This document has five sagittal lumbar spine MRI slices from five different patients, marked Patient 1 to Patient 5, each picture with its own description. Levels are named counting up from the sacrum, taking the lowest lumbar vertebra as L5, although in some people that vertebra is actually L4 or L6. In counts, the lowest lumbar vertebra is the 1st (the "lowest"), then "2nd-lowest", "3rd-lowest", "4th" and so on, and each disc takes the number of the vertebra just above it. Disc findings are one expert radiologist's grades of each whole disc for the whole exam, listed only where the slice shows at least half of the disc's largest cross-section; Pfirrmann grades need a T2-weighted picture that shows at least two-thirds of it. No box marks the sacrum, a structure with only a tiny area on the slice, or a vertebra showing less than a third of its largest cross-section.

Patient 1 of 5:
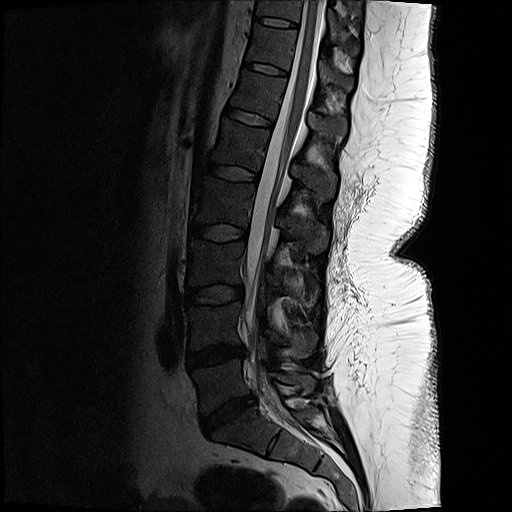
MRI lumbar spine (T2-weighted), sagittal plane, Field of view 300x300 mm, slice spacing 3.3 mm, 512x512 px
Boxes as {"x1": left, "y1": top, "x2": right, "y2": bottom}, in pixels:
L1 at {"x1": 213, "y1": 118, "x2": 337, "y2": 197}.
L2/L3 at {"x1": 188, "y1": 222, "x2": 247, "y2": 241}.
L5/S1 at {"x1": 198, "y1": 395, "x2": 252, "y2": 430}.
Spinal canal at {"x1": 244, "y1": 1, "x2": 325, "y2": 394}.
T12 at {"x1": 233, "y1": 70, "x2": 349, "y2": 145}.
Disc T10/T11 at {"x1": 255, "y1": 17, "x2": 300, "y2": 29}.
L4 at {"x1": 188, "y1": 303, "x2": 282, "y2": 349}.
L4/L5 at {"x1": 185, "y1": 346, "x2": 243, "y2": 368}.
L2 vertebra at {"x1": 191, "y1": 176, "x2": 328, "y2": 254}.
Disc L3/L4 at {"x1": 187, "y1": 285, "x2": 242, "y2": 305}.
T11 vertebra at {"x1": 248, "y1": 25, "x2": 354, "y2": 90}.
L3 vertebra at {"x1": 188, "y1": 240, "x2": 278, "y2": 302}.
L5 at {"x1": 191, "y1": 359, "x2": 286, "y2": 412}.
L1/L2 at {"x1": 195, "y1": 162, "x2": 258, "y2": 182}.
Disc T12/L1 at {"x1": 224, "y1": 104, "x2": 273, "y2": 128}.
T10 vertebra at {"x1": 257, "y1": 0, "x2": 360, "y2": 53}.
T11/T12 at {"x1": 244, "y1": 62, "x2": 290, "y2": 77}.

Radiological gradings:
• L1/L2: Pfirrmann grade 1
• T11/T12: Pfirrmann grade 1
• L2/L3: Pfirrmann grade 1
• T12/L1: Pfirrmann grade 1
• L4/L5: Pfirrmann grade 3, disc narrowing, disc bulging
• L3/L4: Pfirrmann grade 1
• T10/T11: Pfirrmann grade 1
• L5/S1: Pfirrmann grade 4, disc narrowing, disc bulging

Patient 2 of 5:
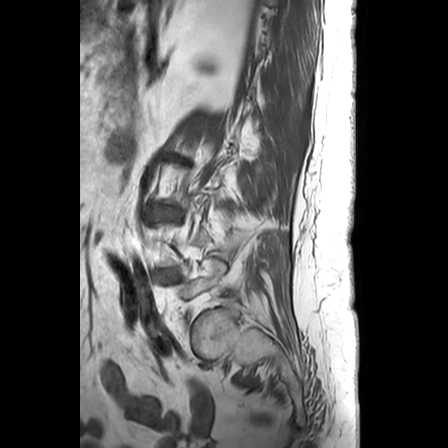 Image 448x448 | Sagittal T1-weighted lumbar spine MRI

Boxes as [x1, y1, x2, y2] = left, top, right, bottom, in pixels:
{"disc L4/L5 (2nd-lowest disc)": "[159, 270, 174, 276]", "L2/L3 (4th disc)": "[165, 155, 190, 163]"}

Patient 3 of 5:
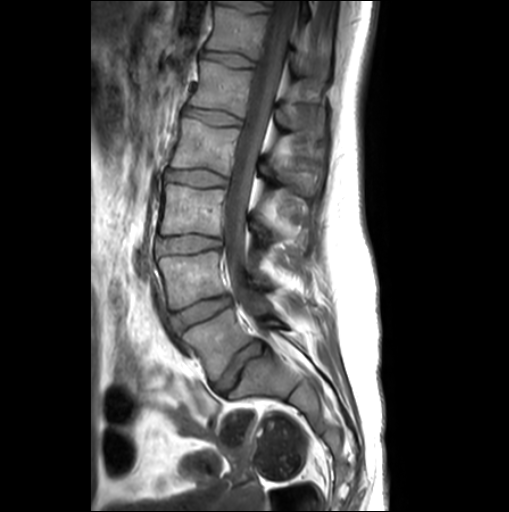 T1-weighted sagittal MRI of the lumbar spine.

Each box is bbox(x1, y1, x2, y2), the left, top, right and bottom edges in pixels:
{"lowest disc": "bbox(214, 341, 264, 393)", "6th disc": "bbox(202, 51, 254, 67)", "5th vertebra": "bbox(190, 60, 324, 137)", "3rd-lowest disc": "bbox(156, 235, 220, 259)", "2nd-lowest disc": "bbox(171, 295, 230, 331)", "lowest vertebra": "bbox(183, 309, 287, 380)", "4th vertebra": "bbox(172, 118, 316, 195)", "3rd-lowest vertebra": "bbox(160, 184, 276, 244)", "5th disc": "bbox(184, 108, 240, 125)", "4th disc": "bbox(163, 168, 228, 186)", "spinal canal": "bbox(224, 0, 295, 326)", "2nd-lowest vertebra": "bbox(157, 251, 272, 309)", "6th vertebra": "bbox(207, 6, 304, 73)"}

Degenerative findings by level:
  lowest disc: upper-endplate change, disc bulging, lower-endplate change
  2nd-lowest disc: disc bulging
  3rd-lowest disc: disc bulging
  4th disc, 6th disc, 5th disc: no herniation, bulging, narrowing, spondylolisthesis, endplate or Modic change recorded

Patient 4 of 5:
T2-weighted sagittal MRI of the lumbar spine | Patient sex: F
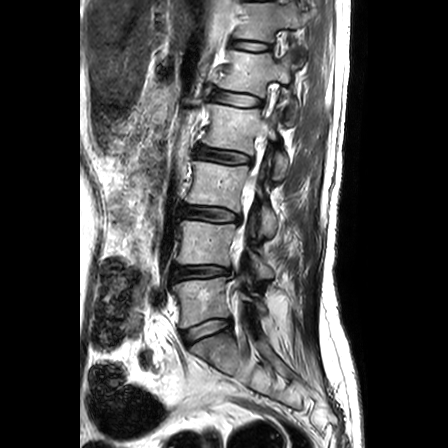

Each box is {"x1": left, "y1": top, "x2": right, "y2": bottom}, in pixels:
L1 at {"x1": 218, "y1": 51, "x2": 299, "y2": 125}.
L4 at {"x1": 178, "y1": 221, "x2": 273, "y2": 278}.
Intervertebral disc L5/S1 at {"x1": 183, "y1": 318, "x2": 231, "y2": 344}.
L4/L5 at {"x1": 171, "y1": 265, "x2": 234, "y2": 282}.
L3 at {"x1": 186, "y1": 156, "x2": 275, "y2": 237}.
L5 vertebra at {"x1": 172, "y1": 277, "x2": 265, "y2": 327}.
L2/L3 at {"x1": 197, "y1": 147, "x2": 250, "y2": 163}.
L2 vertebra at {"x1": 203, "y1": 104, "x2": 288, "y2": 179}.
Intervertebral disc T12/L1 at {"x1": 234, "y1": 42, "x2": 267, "y2": 50}.
T12 vertebra at {"x1": 238, "y1": 3, "x2": 311, "y2": 64}.
Spinal canal at {"x1": 235, "y1": 176, "x2": 256, "y2": 248}.
L3/L4 at {"x1": 182, "y1": 206, "x2": 238, "y2": 221}.
Intervertebral disc L1/L2 at {"x1": 213, "y1": 91, "x2": 261, "y2": 106}.

Per-level radiological findings:
- L5/S1: Pfirrmann grade 2
- L4/L5: Pfirrmann grade 3, disc narrowing, upper-endplate change, lower-endplate change, disc herniation
- T12/L1: Modic type II
- L2/L3: Pfirrmann grade 3, lower-endplate change, disc bulging, Modic type II, upper-endplate change
- L1/L2: Pfirrmann grade 2, Modic type II, lower-endplate change, upper-endplate change
- L3/L4: Pfirrmann grade 3, lower-endplate change, disc bulging, upper-endplate change

Patient 5 of 5:
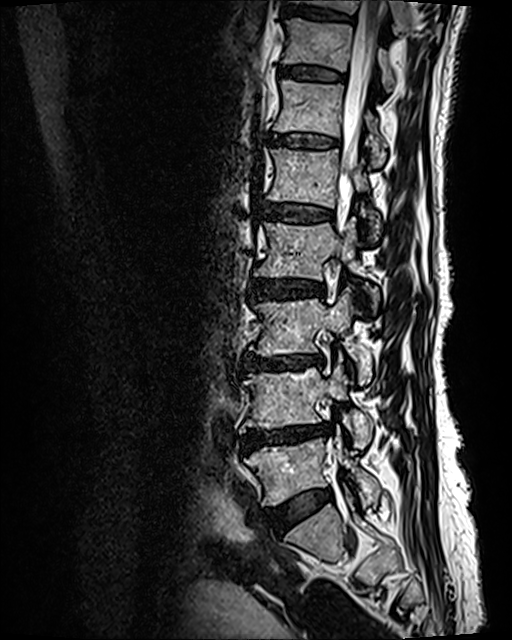 Field of view 240x300 mm, slice spacing 0.9 mm. Sagittal T2 SPACE (3D) lumbar spine MRI. Image 512x640. Sagittal slice index 74.
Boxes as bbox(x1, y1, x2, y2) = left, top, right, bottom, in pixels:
Spinal canal at bbox(338, 0, 384, 196); L4 (2nd-lowest vertebra) at bbox(240, 360, 373, 449); T10 (8th vertebra) at bbox(295, 0, 409, 28); intervertebral disc L5/S1 (lowest disc) at bbox(272, 489, 331, 528); T11 (7th vertebra) at bbox(282, 18, 394, 92); T10/T11 (8th disc) at bbox(288, 7, 352, 21); L3 (3rd-lowest vertebra) at bbox(252, 288, 372, 383); L1 (5th vertebra) at bbox(268, 148, 380, 240); T12 (6th vertebra) at bbox(273, 79, 386, 165); intervertebral disc T11/T12 (7th disc) at bbox(279, 67, 344, 80); intervertebral disc L1/L2 (5th disc) at bbox(262, 203, 332, 221); L2 (4th vertebra) at bbox(254, 218, 379, 310); L5 (lowest vertebra) at bbox(244, 434, 379, 505); intervertebral disc L4/L5 (2nd-lowest disc) at bbox(242, 424, 331, 450); L3/L4 (3rd-lowest disc) at bbox(243, 354, 322, 370); L2/L3 (4th disc) at bbox(248, 278, 324, 299); T12/L1 (6th disc) at bbox(273, 134, 337, 148).

Per-level radiological findings:
• T10/T11 (8th disc): Pfirrmann grade 2, upper-endplate change, lower-endplate change
• L5/S1 (lowest disc): Pfirrmann grade 2, disc bulging
• T12/L1 (6th disc): Pfirrmann grade 2, lower-endplate change, Modic type II, upper-endplate change
• T11/T12 (7th disc): Pfirrmann grade 2, upper-endplate change, Modic type II, lower-endplate change
• L4/L5 (2nd-lowest disc): Pfirrmann grade 4, disc narrowing, upper-endplate change, disc bulging, lower-endplate change, Modic type II
• L3/L4 (3rd-lowest disc): Pfirrmann grade 4, disc narrowing, Modic type II, lower-endplate change, disc bulging, upper-endplate change
• L1/L2 (5th disc): Pfirrmann grade 3, lower-endplate change, upper-endplate change, Modic type II
• L2/L3 (4th disc): Pfirrmann grade 3, upper-endplate change, lower-endplate change, disc bulging, Modic type II